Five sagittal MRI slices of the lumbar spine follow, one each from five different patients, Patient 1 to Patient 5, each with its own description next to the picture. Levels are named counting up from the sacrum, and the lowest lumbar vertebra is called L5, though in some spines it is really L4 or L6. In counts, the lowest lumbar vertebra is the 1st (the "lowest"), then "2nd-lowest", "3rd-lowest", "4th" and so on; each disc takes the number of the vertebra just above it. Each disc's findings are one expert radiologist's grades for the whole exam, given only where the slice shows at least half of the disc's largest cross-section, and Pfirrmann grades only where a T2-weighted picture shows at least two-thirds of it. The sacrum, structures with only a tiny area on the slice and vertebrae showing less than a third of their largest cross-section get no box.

Patient 1 of 5:
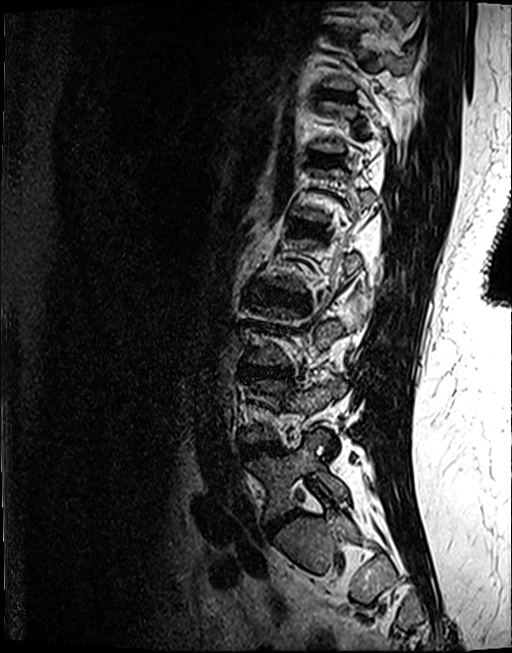

Patient sex: F. Slice 39 of 122. T2 SPACE (3D) sagittal MRI of the lumbar spine. Field of view 240x301 mm, slice spacing 0.9 mm.
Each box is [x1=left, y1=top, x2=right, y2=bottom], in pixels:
Intervertebral disc L3/L4 (3rd-lowest disc) = [x1=247, y1=366, x2=290, y2=377].
L5/S1 (lowest disc) = [x1=265, y1=510, x2=300, y2=535].
L4 (2nd-lowest vertebra) = [x1=242, y1=377, x2=346, y2=442].
L1/L2 (5th disc) = [x1=296, y1=222, x2=317, y2=232].
L5 (lowest vertebra) = [x1=246, y1=432, x2=347, y2=519].
Intervertebral disc L4/L5 (2nd-lowest disc) = [x1=242, y1=442, x2=279, y2=455].
Intervertebral disc L2/L3 (4th disc) = [x1=251, y1=287, x2=307, y2=307].
Intervertebral disc T11/T12 (7th disc) = [x1=325, y1=90, x2=352, y2=98].
T12/L1 (6th disc) = [x1=312, y1=153, x2=339, y2=163].

Patient 2 of 5:
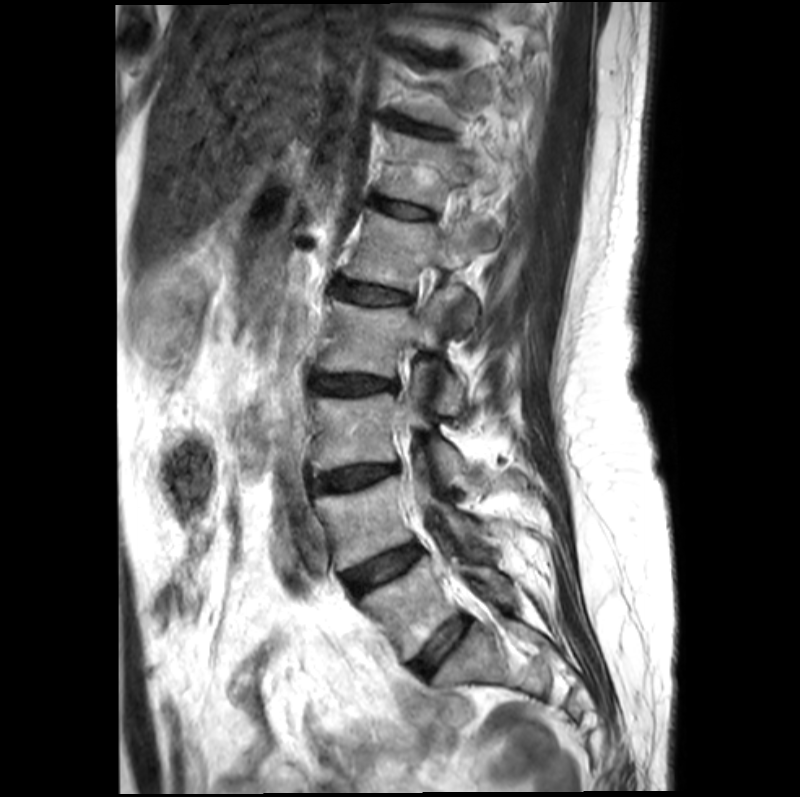 Slice 8 of 21 | T2-weighted sagittal MRI of the lumbar spine | 800x797 px
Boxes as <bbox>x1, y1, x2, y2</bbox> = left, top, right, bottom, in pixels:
L5 at <bbox>359, 556, 509, 659</bbox>, intervertebral disc L4/L5 at <bbox>343, 546, 420, 595</bbox>, L3 at <bbox>310, 373, 464, 483</bbox>, L4 at <bbox>314, 461, 478, 570</bbox>, intervertebral disc T11/T12 at <bbox>392, 117, 439, 135</bbox>, intervertebral disc T12/L1 at <bbox>366, 195, 430, 217</bbox>, L1/L2 at <bbox>336, 278, 405, 304</bbox>, T12 at <bbox>375, 131, 500, 206</bbox>, L1 at <bbox>343, 210, 496, 326</bbox>, L5/S1 at <bbox>413, 617, 465, 675</bbox>, intervertebral disc L3/L4 at <bbox>310, 464, 396, 491</bbox>, intervertebral disc L2/L3 at <bbox>307, 371, 391, 394</bbox>, L2 vertebra at <bbox>317, 286, 462, 414</bbox>.

Radiological gradings:
  L1/L2: Pfirrmann grade 2, lower-endplate change, upper-endplate change, Modic type II
  L2/L3: Pfirrmann grade 3, upper-endplate change, lower-endplate change, disc bulging, Modic type II
  L4/L5: Pfirrmann grade 3, Modic type II
  L5/S1: Pfirrmann grade 2, Modic type II
  T12/L1: Pfirrmann grade 2, Modic type II
  L3/L4: Pfirrmann grade 3, lower-endplate change, upper-endplate change, disc narrowing, disc bulging, Modic type II
  T11/T12: no herniation, bulging, narrowing, spondylolisthesis, endplate or Modic change recorded

Patient 3 of 5:
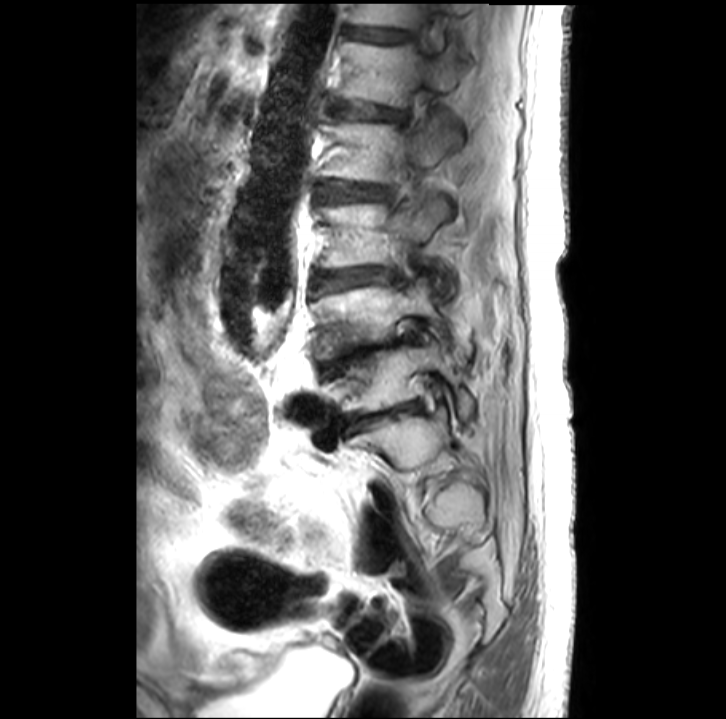
Slice 22 of 32 | Sex F | T2-weighted sagittal MRI of the lumbar spine
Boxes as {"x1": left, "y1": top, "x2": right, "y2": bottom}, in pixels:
Segmented structures:
- intervertebral disc L2/L3 (4th disc) — {"x1": 316, "y1": 183, "x2": 386, "y2": 200}
- L1/L2 (5th disc) — {"x1": 333, "y1": 101, "x2": 403, "y2": 117}
- T12 (6th vertebra) — {"x1": 350, "y1": 3, "x2": 464, "y2": 27}
- L4/L5 (2nd-lowest disc) — {"x1": 319, "y1": 335, "x2": 413, "y2": 372}
- intervertebral disc T12/L1 (6th disc) — {"x1": 347, "y1": 28, "x2": 409, "y2": 40}
- L2 (4th vertebra) — {"x1": 319, "y1": 118, "x2": 459, "y2": 183}
- L1 (5th vertebra) — {"x1": 338, "y1": 41, "x2": 464, "y2": 105}
- L4 (2nd-lowest vertebra) — {"x1": 312, "y1": 277, "x2": 471, "y2": 362}
- L3/L4 (3rd-lowest disc) — {"x1": 315, "y1": 268, "x2": 393, "y2": 289}
- L3 (3rd-lowest vertebra) — {"x1": 319, "y1": 195, "x2": 455, "y2": 292}
- L5 (lowest vertebra) — {"x1": 324, "y1": 340, "x2": 473, "y2": 418}
- intervertebral disc L5/S1 (lowest disc) — {"x1": 339, "y1": 402, "x2": 418, "y2": 429}

Expert MSK radiologist gradings (per disc):
  L2/L3 (4th disc): Pfirrmann grade 2
  L5/S1 (lowest disc): Pfirrmann grade 5, Modic type II, disc narrowing
  L1/L2 (5th disc): Pfirrmann grade 4, disc narrowing, disc bulging
  L3/L4 (3rd-lowest disc): Pfirrmann grade 3, disc narrowing, Modic type II
  L4/L5 (2nd-lowest disc): Pfirrmann grade 5, disc narrowing
  T12/L1 (6th disc): disc bulging

Patient 4 of 5:
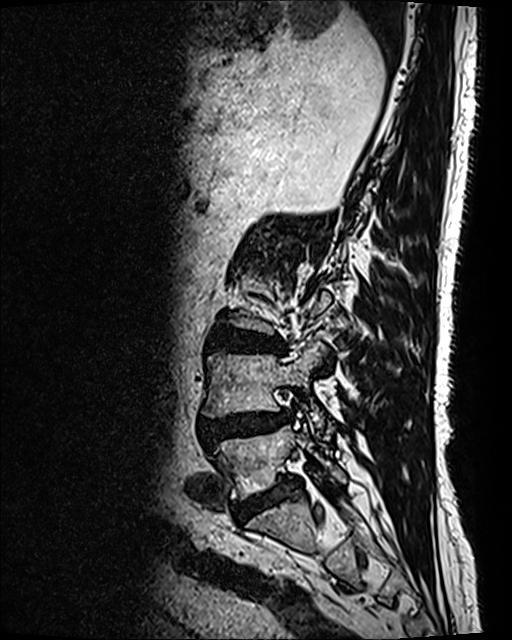 Sagittal T2 SPACE (3D) lumbar spine MRI.
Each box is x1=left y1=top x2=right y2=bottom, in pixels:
Annotations:
- lowest vertebra = x1=217 y1=425 x2=346 y2=497
- 3rd-lowest disc = x1=208 y1=329 x2=285 y2=353
- lowest disc = x1=241 y1=477 x2=299 y2=517
- 2nd-lowest disc = x1=200 y1=412 x2=287 y2=447
- 2nd-lowest vertebra = x1=203 y1=347 x2=327 y2=430

Radiological gradings:
- 2nd-lowest disc: Pfirrmann grade 4, disc narrowing, upper-endplate change, disc bulging, lower-endplate change, disc herniation, spondylolisthesis, Modic type II
- 3rd-lowest disc: Pfirrmann grade 4, upper-endplate change, disc bulging, lower-endplate change

Patient 5 of 5:
Philips Healthcare Ingenia (3T). 448x452 px. Sex F. Slice 22/28. T2-weighted sagittal MRI of the lumbar spine.
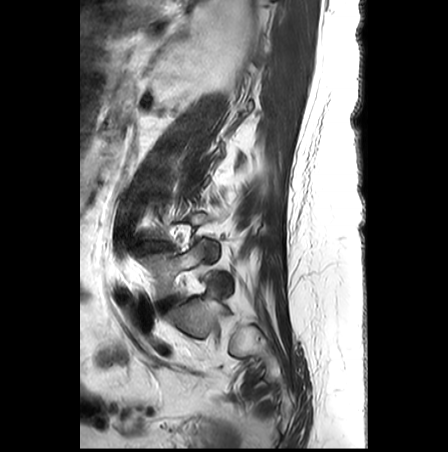
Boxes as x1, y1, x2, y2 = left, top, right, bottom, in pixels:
Intervertebral disc L5/S1 at 156, 297, 178, 311; intervertebral disc L4/L5 at 138, 241, 171, 253; L5 at 138, 241, 229, 300.

Expert MSK radiologist gradings (per disc):
- L4/L5: upper-endplate change, disc narrowing, Modic type II, lower-endplate change, disc bulging